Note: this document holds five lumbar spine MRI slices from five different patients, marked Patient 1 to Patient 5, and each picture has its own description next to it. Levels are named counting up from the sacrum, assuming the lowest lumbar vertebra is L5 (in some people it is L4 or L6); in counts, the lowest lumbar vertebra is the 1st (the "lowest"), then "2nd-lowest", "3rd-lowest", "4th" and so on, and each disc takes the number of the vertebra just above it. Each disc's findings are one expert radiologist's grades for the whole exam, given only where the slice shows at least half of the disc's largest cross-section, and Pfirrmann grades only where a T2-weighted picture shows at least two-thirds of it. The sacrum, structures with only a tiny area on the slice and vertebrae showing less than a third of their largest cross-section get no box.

Patient 1 of 5:
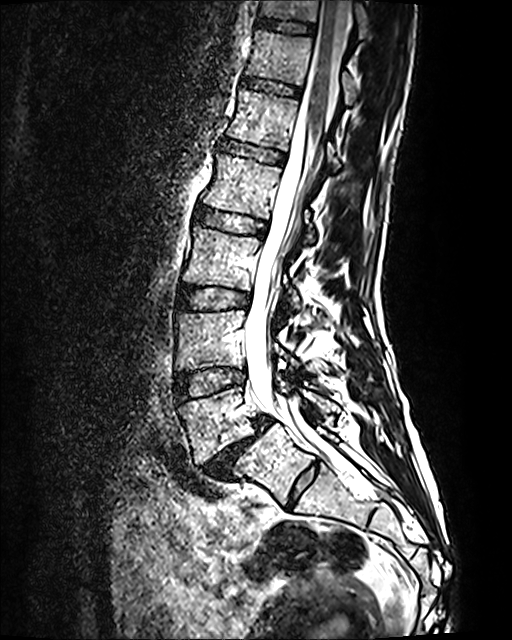
Slice 57 of 120 | Sex F | Slice spacing 0.9 mm | T2 SPACE (3D) sagittal MRI of the lumbar spine

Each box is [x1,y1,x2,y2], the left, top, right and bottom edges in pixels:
5th vertebra: [227,89,339,169]
4th vertebra: [203,154,313,242]
lowest vertebra: [179,388,339,462]
2nd-lowest vertebra: [177,310,290,370]
6th disc: [242,78,299,95]
spinal canal: [244,0,350,452]
7th disc: [257,19,314,32]
lowest disc: [202,416,272,478]
4th disc: [194,209,265,234]
5th disc: [220,141,284,163]
6th vertebra: [245,31,357,104]
2nd-lowest disc: [175,367,245,401]
3rd-lowest disc: [177,286,249,309]
3rd-lowest vertebra: [182,227,300,309]
7th vertebra: [260,0,372,39]

Degenerative findings by level:
  6th disc: Pfirrmann grade 2
  lowest disc: Pfirrmann grade 5, spondylolisthesis, Modic type II, disc bulging, disc narrowing
  4th disc: Pfirrmann grade 2
  5th disc: Pfirrmann grade 2
  2nd-lowest disc: Pfirrmann grade 2
  7th disc: Pfirrmann grade 2
  3rd-lowest disc: Pfirrmann grade 2

Patient 2 of 5:
Image 384x384. SIEMENS Avanto_fit (1.5T). Lumbar spine MR, T2-weighted, sagittal. 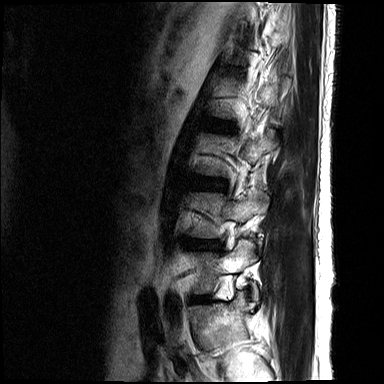 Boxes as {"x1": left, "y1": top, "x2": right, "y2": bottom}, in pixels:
L4 = {"x1": 190, "y1": 191, "x2": 268, "y2": 237}.
L5 = {"x1": 192, "y1": 239, "x2": 258, "y2": 301}.
L4/L5 = {"x1": 191, "y1": 243, "x2": 218, "y2": 249}.

Patient 3 of 5:
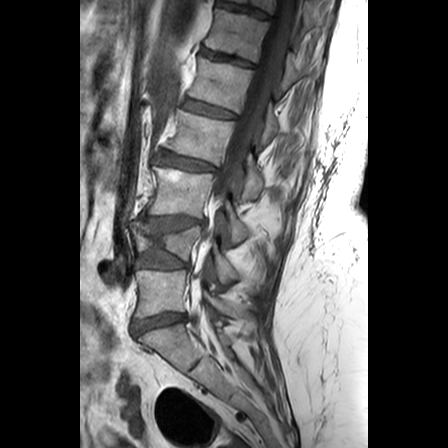 Slice spacing 3.3 mm | Sagittal T1-weighted lumbar spine MRI
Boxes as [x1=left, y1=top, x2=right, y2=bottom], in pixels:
6th vertebra at [x1=206, y1=9, x2=298, y2=89], 2nd-lowest vertebra at [x1=131, y1=221, x2=257, y2=283], 7th vertebra at [x1=231, y1=0, x2=323, y2=30], 3rd-lowest vertebra at [x1=146, y1=165, x2=250, y2=243], lowest vertebra at [x1=135, y1=269, x2=237, y2=317], 3rd-lowest disc at [x1=141, y1=215, x2=202, y2=229], 6th disc at [x1=202, y1=48, x2=253, y2=67], 4th vertebra at [x1=166, y1=110, x2=264, y2=200], 4th disc at [x1=154, y1=150, x2=215, y2=171], thecal sac / spinal canal at [x1=191, y1=0, x2=298, y2=313], lowest disc at [x1=132, y1=313, x2=185, y2=334], 7th disc at [x1=219, y1=1, x2=269, y2=18], 2nd-lowest disc at [x1=135, y1=251, x2=187, y2=268], 5th disc at [x1=183, y1=98, x2=235, y2=118], 5th vertebra at [x1=189, y1=57, x2=278, y2=144].

Radiological gradings:
  lowest disc: disc bulging
  2nd-lowest disc: disc bulging, lower-endplate change
  5th disc: upper-endplate change
  7th disc: lower-endplate change
  4th disc: lower-endplate change, upper-endplate change
  6th disc: lower-endplate change, upper-endplate change
  3rd-lowest disc: lower-endplate change, disc bulging, upper-endplate change

Patient 4 of 5:
Field of view 283x285 mm, T2-weighted sagittal MRI of the lumbar spine, Sex M 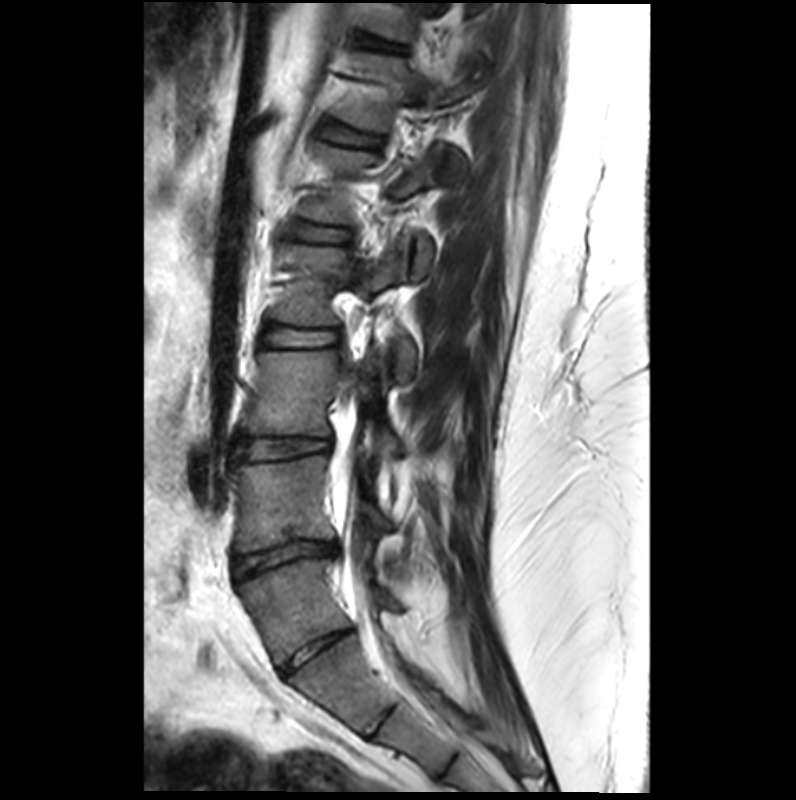
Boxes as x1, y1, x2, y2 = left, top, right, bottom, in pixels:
L2 vertebra at 275, 239, 414, 382.
L2/L3 at 263, 327, 337, 346.
Spinal canal at 340, 466, 375, 613.
L5 at 239, 558, 403, 665.
T12/L1 at 322, 126, 380, 143.
L4 vertebra at 232, 455, 388, 552.
T12 vertebra at 335, 50, 467, 182.
L1/L2 at 289, 224, 348, 241.
L5/S1 at 281, 629, 352, 675.
L1 vertebra at 299, 141, 434, 280.
Intervertebral disc L4/L5 at 234, 542, 334, 579.
T11/T12 at 357, 37, 403, 49.
L3 vertebra at 241, 350, 400, 456.
Intervertebral disc L3/L4 at 238, 440, 328, 459.

Degenerative findings by level:
• L3/L4: Pfirrmann grade 2
• L5/S1: Pfirrmann grade 3, disc narrowing
• L4/L5: Pfirrmann grade 3, upper-endplate change, Modic type III, spondylolisthesis, disc narrowing, lower-endplate change, disc herniation
• L2/L3: no herniation, bulging, narrowing, spondylolisthesis, endplate or Modic change recorded

Patient 5 of 5:
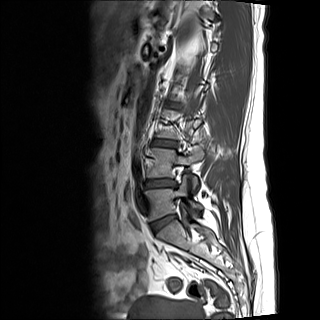
Image 320x320. MRI lumbar spine (T1-weighted), sagittal plane.

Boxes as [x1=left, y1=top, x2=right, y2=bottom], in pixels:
Annotations:
* L4 vertebra — [x1=147, y1=146, x2=204, y2=188]
* L5 — [x1=145, y1=175, x2=202, y2=220]
* L5/S1 — [x1=151, y1=215, x2=174, y2=233]
* L4/L5 — [x1=146, y1=179, x2=176, y2=187]
* L3/L4 — [x1=153, y1=140, x2=176, y2=146]

Radiological gradings:
  L5/S1: disc bulging
  L4/L5: disc bulging, Modic type II
  L3/L4: no herniation, bulging, narrowing, spondylolisthesis, endplate or Modic change recorded